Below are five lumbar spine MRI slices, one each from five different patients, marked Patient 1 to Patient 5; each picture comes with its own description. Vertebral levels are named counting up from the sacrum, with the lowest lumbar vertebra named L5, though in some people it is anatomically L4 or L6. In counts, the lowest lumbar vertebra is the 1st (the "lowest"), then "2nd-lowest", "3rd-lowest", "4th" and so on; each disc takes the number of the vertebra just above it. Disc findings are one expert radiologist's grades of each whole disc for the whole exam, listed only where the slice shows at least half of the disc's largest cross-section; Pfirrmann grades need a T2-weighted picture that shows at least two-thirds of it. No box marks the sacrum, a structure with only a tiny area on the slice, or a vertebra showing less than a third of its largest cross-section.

Patient 1 of 5:
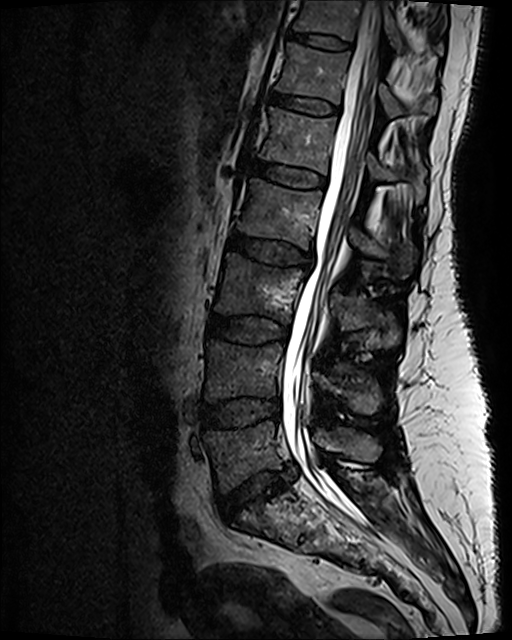 Field of view 240x300 mm; Sagittal T2 SPACE (3D) lumbar spine MRI; Patient sex: F
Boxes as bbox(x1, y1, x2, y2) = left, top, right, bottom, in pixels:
Structures:
- intervertebral disc L5/S1 at bbox(220, 471, 288, 520)
- L4 at bbox(203, 340, 381, 413)
- T12 vertebra at bbox(276, 43, 437, 116)
- L2 vertebra at bbox(236, 179, 417, 279)
- L3 vertebra at bbox(214, 254, 399, 345)
- L1/L2 at bbox(251, 161, 326, 187)
- L1 at bbox(259, 108, 425, 203)
- L2/L3 at bbox(227, 232, 312, 266)
- L4/L5 at bbox(199, 401, 280, 426)
- L3/L4 at bbox(208, 315, 285, 343)
- spinal canal at bbox(282, 0, 381, 520)
- L5 vertebra at bbox(204, 421, 380, 491)
- T11 at bbox(293, 0, 443, 55)
- intervertebral disc T12/L1 at bbox(271, 93, 339, 114)
- intervertebral disc T11/T12 at bbox(287, 33, 350, 50)

Radiological gradings:
- L5/S1: Pfirrmann grade 3, upper-endplate change, lower-endplate change, disc narrowing, disc herniation
- L4/L5: Pfirrmann grade 3, disc bulging
- L2/L3: Pfirrmann grade 3, disc bulging
- L1/L2: Pfirrmann grade 2
- T12/L1: Pfirrmann grade 2
- T11/T12: Pfirrmann grade 2
- L3/L4: Pfirrmann grade 3

Patient 2 of 5:
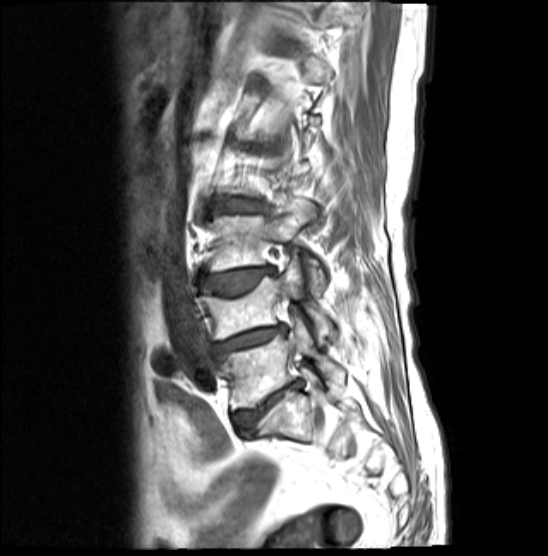 Lumbar spine MR, T1-weighted, sagittal, Slice 6 of 19, Patient sex: F
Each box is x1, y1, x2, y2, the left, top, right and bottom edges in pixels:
3rd-lowest vertebra at 207, 203, 325, 287; 4th disc at 209, 197, 261, 214; lowest disc at 233, 382, 301, 432; 2nd-lowest vertebra at 200, 256, 331, 339; lowest vertebra at 218, 318, 345, 410; 3rd-lowest disc at 202, 265, 273, 294; 2nd-lowest disc at 216, 326, 280, 355.

Expert MSK radiologist gradings (per disc):
• 2nd-lowest disc: upper-endplate change, disc narrowing, lower-endplate change, disc bulging, Modic type II
• lowest disc: Modic type II, disc bulging, lower-endplate change, upper-endplate change, disc narrowing
• 4th disc: lower-endplate change, disc narrowing, disc bulging, upper-endplate change, Modic type II
• 3rd-lowest disc: disc bulging, upper-endplate change, Modic type II, lower-endplate change

Patient 3 of 5:
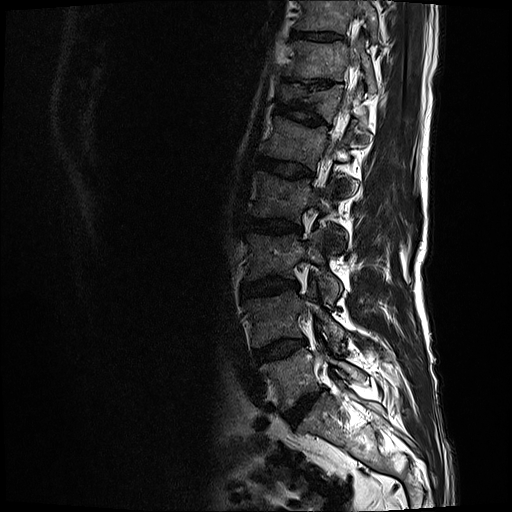 Field of view 300x300 mm, Patient sex: M, Lumbar spine MR, T2-weighted, sagittal

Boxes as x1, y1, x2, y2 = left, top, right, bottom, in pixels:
Structures:
- L1 (5th vertebra) = 266, 115, 350, 169
- disc L4/L5 (2nd-lowest disc) = 255, 339, 305, 362
- L4 (2nd-lowest vertebra) = 246, 283, 345, 347
- disc L2/L3 (4th disc) = 244, 215, 301, 231
- disc T11/T12 (7th disc) = 313, 79, 333, 86
- T10 (8th vertebra) = 298, 0, 378, 38
- spinal canal = 317, 60, 357, 194
- L5 (lowest vertebra) = 262, 340, 364, 409
- T12 (6th vertebra) = 283, 84, 367, 143
- L5/S1 (lowest disc) = 284, 391, 320, 426
- T10/T11 (8th disc) = 294, 30, 341, 39
- L3 (3rd-lowest vertebra) = 248, 230, 341, 303
- L1/L2 (5th disc) = 258, 156, 312, 178
- L2 (4th vertebra) = 253, 171, 333, 222
- T12/L1 (6th disc) = 275, 100, 328, 124
- T11 (7th vertebra) = 286, 39, 377, 94
- L3/L4 (3rd-lowest disc) = 242, 278, 298, 294

Degenerative findings by level:
  T12/L1 (6th disc): Pfirrmann grade 3, lower-endplate change, upper-endplate change
  L1/L2 (5th disc): Pfirrmann grade 3
  L4/L5 (2nd-lowest disc): Pfirrmann grade 3, Modic type II, disc bulging
  T10/T11 (8th disc): Pfirrmann grade 3
  L5/S1 (lowest disc): disc narrowing, disc bulging
  L3/L4 (3rd-lowest disc): Pfirrmann grade 4, disc bulging, Modic type II, disc narrowing
  L2/L3 (4th disc): Pfirrmann grade 3, disc bulging, Modic type II

Patient 4 of 5:
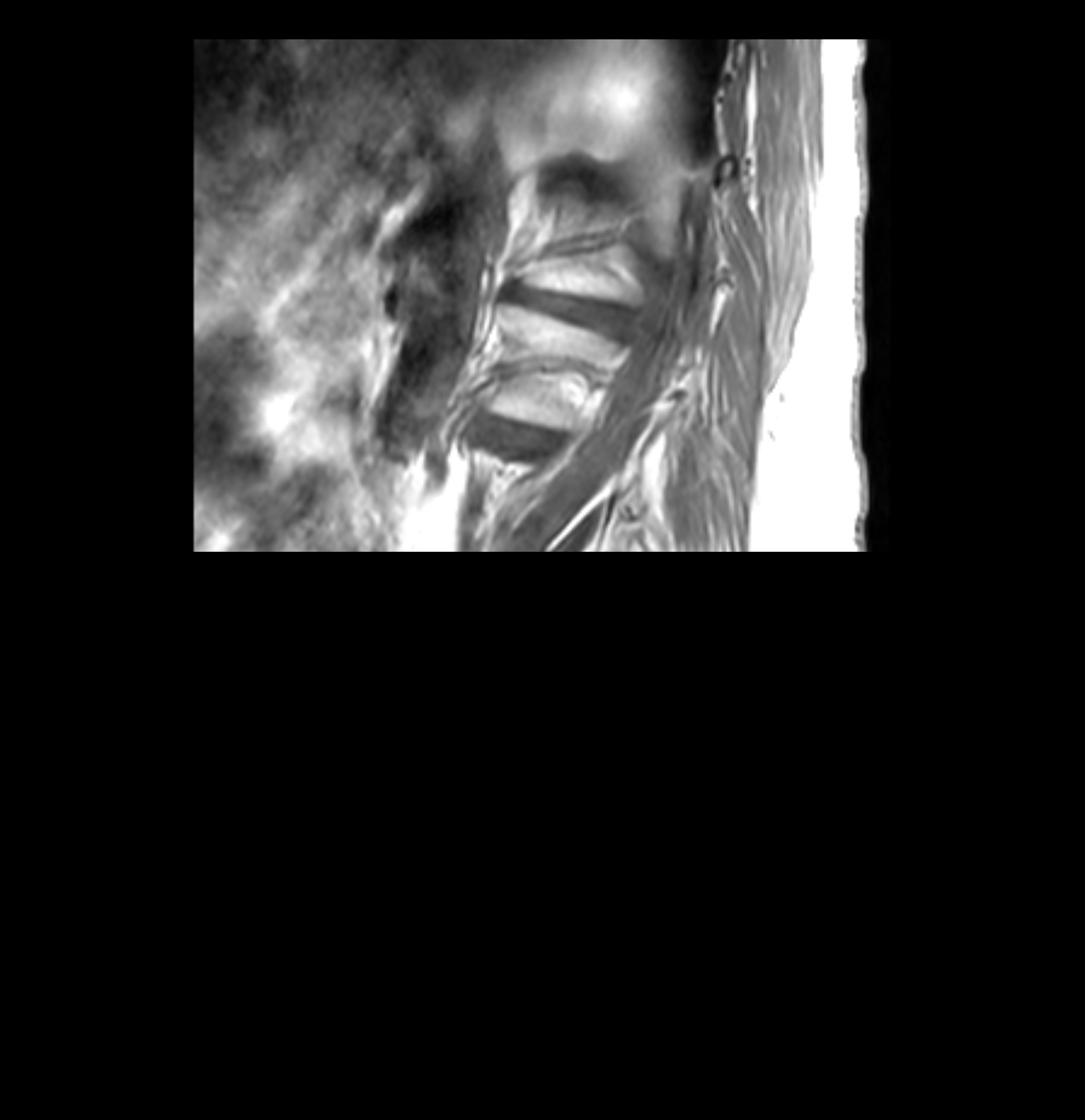 Slice 33/41, MRI lumbar spine (T1-weighted), sagittal plane
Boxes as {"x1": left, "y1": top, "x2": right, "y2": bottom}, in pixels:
{"IVD L2/L3": {"x1": 475, "y1": 412, "x2": 564, "y2": 456}, "IVD L1/L2": {"x1": 508, "y1": 280, "x2": 632, "y2": 336}, "L2": {"x1": 484, "y1": 304, "x2": 617, "y2": 430}}

Expert MSK radiologist gradings (per disc):
• L1/L2: disc bulging, Modic type II, upper-endplate change, lower-endplate change, disc narrowing
• L2/L3: upper-endplate change, disc narrowing, lower-endplate change, disc bulging, Modic type II

Patient 5 of 5:
Scanner: SIEMENS Avanto_fit (1.5T). Image 512x640. Sagittal T2 SPACE (3D) lumbar spine MRI.

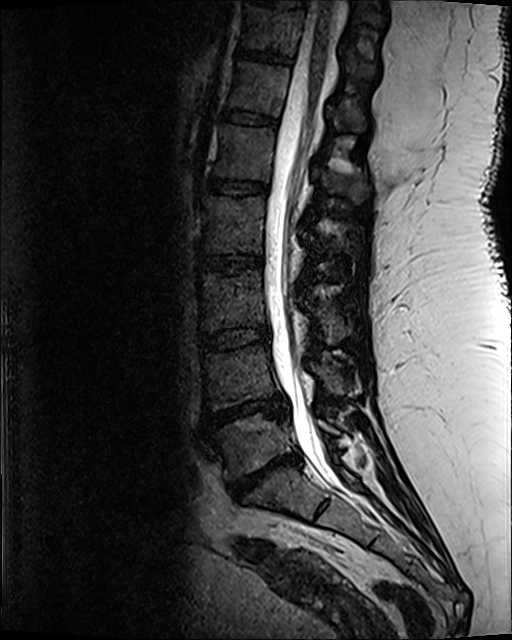

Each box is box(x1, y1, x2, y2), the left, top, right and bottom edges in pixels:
disc T10/T11: box(253, 0, 306, 6)
T12: box(229, 63, 365, 132)
L3 vertebra: box(199, 271, 354, 336)
L1 vertebra: box(213, 124, 366, 204)
disc L1/L2: box(208, 178, 267, 194)
thecal sac / spinal canal: box(265, 1, 342, 488)
L2/L3: box(198, 255, 263, 273)
disc L5/S1: box(229, 452, 300, 499)
disc T11/T12: box(238, 49, 288, 62)
disc L4/L5: box(206, 397, 288, 423)
L5: box(213, 414, 339, 478)
L2: box(203, 197, 361, 260)
T11: box(243, 6, 374, 77)
T12/L1: box(223, 109, 276, 124)
L3/L4: box(201, 328, 269, 350)
L4 vertebra: box(206, 347, 344, 408)

Radiological gradings:
- T11/T12: Pfirrmann grade 3, lower-endplate change
- L5/S1: Pfirrmann grade 5, lower-endplate change, upper-endplate change, disc narrowing, disc herniation, Modic type II
- T12/L1: Pfirrmann grade 3
- L2/L3: Pfirrmann grade 3, upper-endplate change, lower-endplate change
- L3/L4: Pfirrmann grade 3
- L1/L2: Pfirrmann grade 3, lower-endplate change
- L4/L5: Pfirrmann grade 5, lower-endplate change, upper-endplate change, Modic type II, disc narrowing, disc herniation